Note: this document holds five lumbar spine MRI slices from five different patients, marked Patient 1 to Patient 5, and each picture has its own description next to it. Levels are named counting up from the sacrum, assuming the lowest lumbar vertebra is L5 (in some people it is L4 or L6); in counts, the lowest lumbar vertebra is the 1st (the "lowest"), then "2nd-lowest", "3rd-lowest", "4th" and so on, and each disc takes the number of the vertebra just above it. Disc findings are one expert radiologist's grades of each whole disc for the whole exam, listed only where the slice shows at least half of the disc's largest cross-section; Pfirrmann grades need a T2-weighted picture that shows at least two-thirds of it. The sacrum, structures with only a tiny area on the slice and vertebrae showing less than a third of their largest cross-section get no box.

Patient 1 of 5:
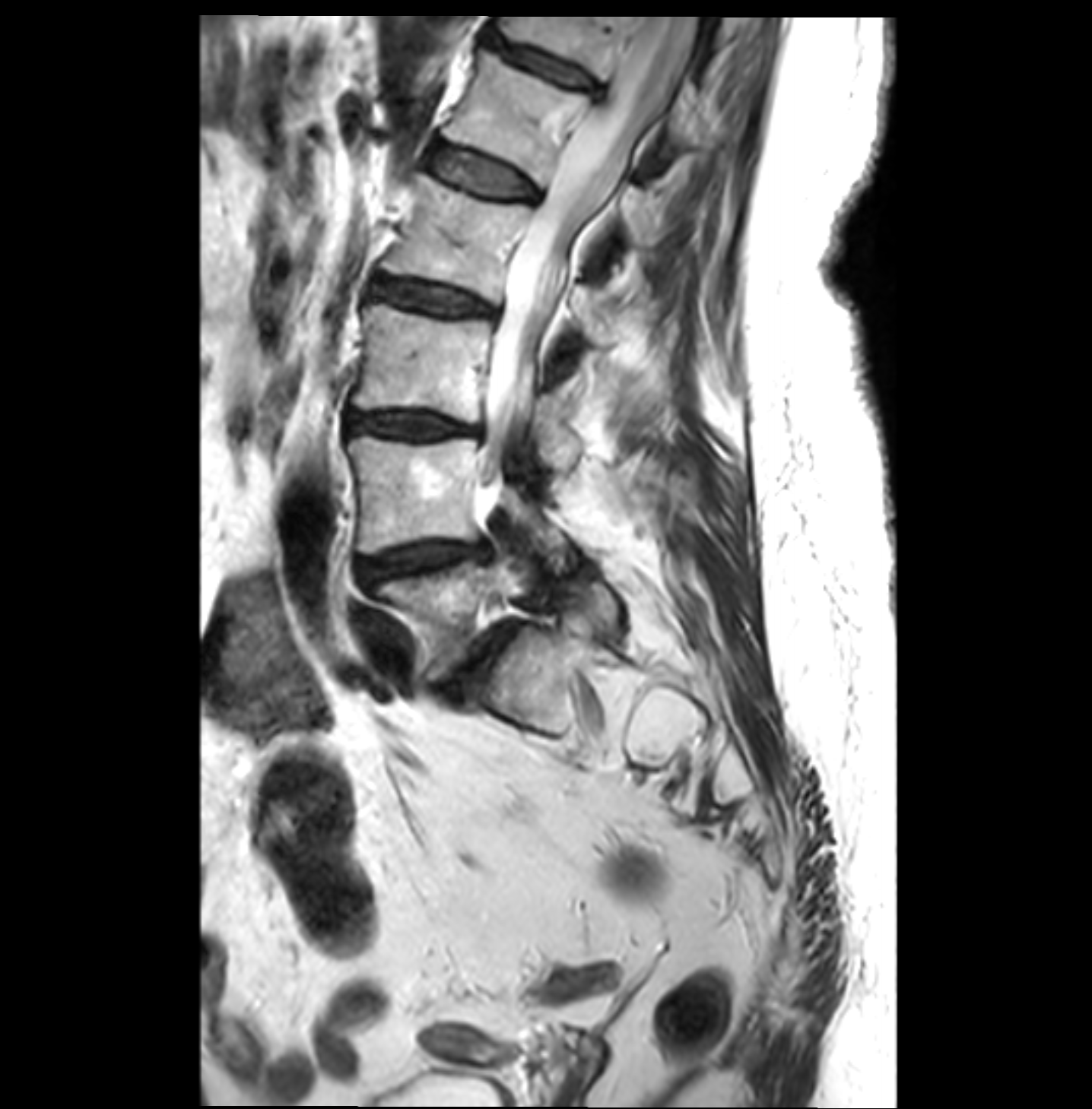 Sagittal slice index 22 | Sagittal T2-weighted lumbar spine MRI | Image 1092x1109

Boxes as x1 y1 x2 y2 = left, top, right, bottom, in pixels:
Structures:
• spinal canal: 484 19 687 474
• L2/L3 (4th disc): 370 277 496 320
• intervertebral disc L1/L2 (5th disc): 429 142 538 200
• L3 (3rd-lowest vertebra): 354 303 581 469
• L2 (4th vertebra): 383 173 611 344
• L5 (lowest vertebra): 372 545 624 680
• intervertebral disc T12/L1 (6th disc): 492 40 599 93
• L3/L4 (3rd-lowest disc): 348 411 481 436
• intervertebral disc L5/S1 (lowest disc): 441 626 516 689
• L1 (5th vertebra): 443 49 660 245
• T12 (6th vertebra): 497 14 715 147
• intervertebral disc L4/L5 (2nd-lowest disc): 360 541 484 584
• L4 (2nd-lowest vertebra): 348 435 575 569

Radiological gradings:
• L4/L5 (2nd-lowest disc): Pfirrmann grade 3, disc narrowing, disc bulging, Modic type II
• L3/L4 (3rd-lowest disc): Pfirrmann grade 3, disc bulging, Modic type II, disc narrowing
• L1/L2 (5th disc): Pfirrmann grade 2, Modic type II
• L2/L3 (4th disc): Pfirrmann grade 3, Modic type II, disc bulging
• T12/L1 (6th disc): Pfirrmann grade 3, disc bulging

Patient 2 of 5:
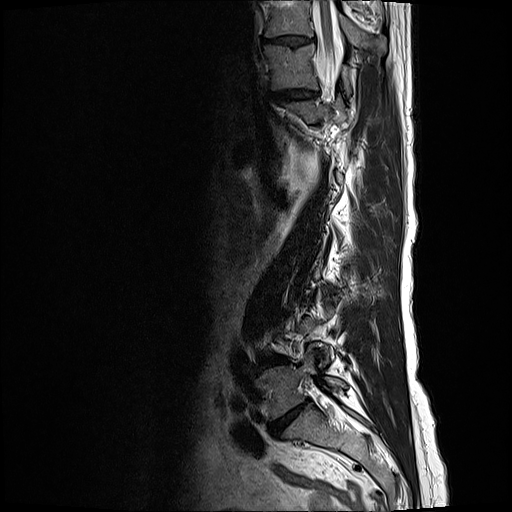 Sex F; T2-weighted sagittal MRI of the lumbar spine; 512x512 px; Field of view 300x300 mm

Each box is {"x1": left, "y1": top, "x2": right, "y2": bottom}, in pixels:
Structures:
- T11/T12 = {"x1": 271, "y1": 88, "x2": 319, "y2": 102}
- thecal sac / spinal canal = {"x1": 314, "y1": 1, "x2": 342, "y2": 94}
- L4/L5 = {"x1": 262, "y1": 358, "x2": 286, "y2": 366}
- L5/S1 = {"x1": 271, "y1": 401, "x2": 308, "y2": 434}
- T10 vertebra = {"x1": 266, "y1": 0, "x2": 386, "y2": 51}
- L5 = {"x1": 260, "y1": 347, "x2": 347, "y2": 419}
- intervertebral disc T10/T11 = {"x1": 267, "y1": 35, "x2": 311, "y2": 43}
- T11 = {"x1": 265, "y1": 43, "x2": 351, "y2": 94}

Expert MSK radiologist gradings (per disc):
- T10/T11: Pfirrmann grade 3, disc narrowing, disc bulging
- L5/S1: Pfirrmann grade 5, lower-endplate change, upper-endplate change, disc narrowing, Modic type II, disc bulging
- T11/T12: Pfirrmann grade 3, disc bulging, disc narrowing

Patient 3 of 5:
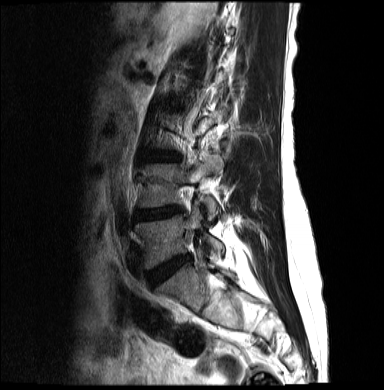 Image 384x390; Field of view 260x264 mm, slice spacing 4.8 mm; Slice 13/18; Sagittal T2-weighted lumbar spine MRI

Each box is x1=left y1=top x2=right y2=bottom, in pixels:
Disc L4/L5 at x1=134 y1=205 x2=181 y2=220, L4 vertebra at x1=138 y1=155 x2=219 y2=220, L5/S1 at x1=148 y1=256 x2=190 y2=287, L5 vertebra at x1=135 y1=204 x2=224 y2=268, disc L3/L4 at x1=153 y1=153 x2=178 y2=161.

Radiological gradings:
- L5/S1: Pfirrmann grade 4, disc narrowing, disc bulging
- L4/L5: Pfirrmann grade 4, disc bulging, upper-endplate change, disc narrowing, lower-endplate change

Patient 4 of 5:
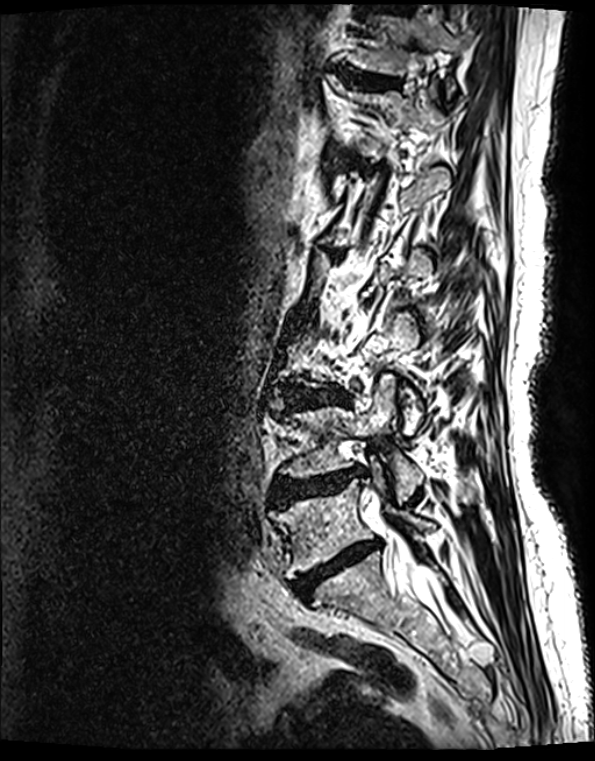
Sex F. Lumbar spine MR, T2 SPACE (3D), sagittal. Slice spacing 0.9 mm.
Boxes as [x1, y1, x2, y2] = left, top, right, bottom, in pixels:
Annotations:
* spinal canal: [398, 546, 442, 601]
* intervertebral disc T11/T12: [344, 74, 394, 89]
* intervertebral disc L4/L5: [276, 468, 361, 503]
* T12: [345, 88, 448, 157]
* L5 vertebra: [276, 469, 433, 578]
* T11 vertebra: [349, 16, 465, 95]
* intervertebral disc L5/S1: [294, 541, 379, 597]
* intervertebral disc L3/L4: [286, 389, 344, 407]
* L4 vertebra: [281, 376, 421, 500]
* T12/L1: [351, 159, 364, 169]

Radiological gradings:
• L5/S1: Pfirrmann grade 5, upper-endplate change, disc bulging, lower-endplate change, Modic type II, disc narrowing
• L4/L5: Pfirrmann grade 4, lower-endplate change, disc herniation, Modic type II, upper-endplate change, disc bulging, disc narrowing

Patient 5 of 5:
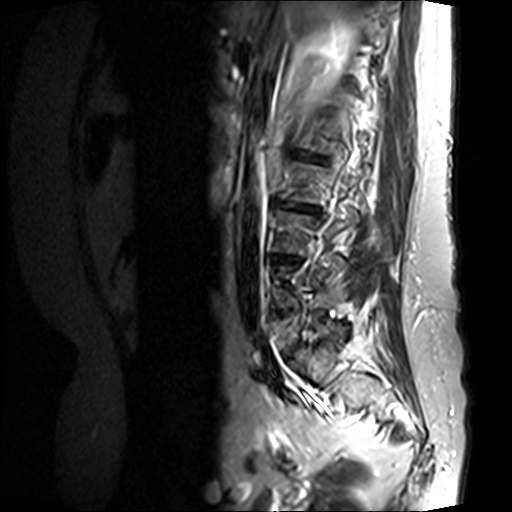 T2-weighted sagittal MRI of the lumbar spine, Field of view 340x340 mm, Slice 2 of 15
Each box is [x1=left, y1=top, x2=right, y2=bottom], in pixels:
- IVD L2/L3 = [x1=276, y1=202, x2=318, y2=213]
- L3/L4 = [x1=272, y1=254, x2=299, y2=263]
- L3 vertebra = [x1=273, y1=209, x2=346, y2=254]

Degenerative findings by level:
  L2/L3: Pfirrmann grade 5, Modic type II, upper-endplate change, disc bulging, lower-endplate change, disc narrowing
  L3/L4: upper-endplate change, disc bulging, disc narrowing, Modic type II, lower-endplate change